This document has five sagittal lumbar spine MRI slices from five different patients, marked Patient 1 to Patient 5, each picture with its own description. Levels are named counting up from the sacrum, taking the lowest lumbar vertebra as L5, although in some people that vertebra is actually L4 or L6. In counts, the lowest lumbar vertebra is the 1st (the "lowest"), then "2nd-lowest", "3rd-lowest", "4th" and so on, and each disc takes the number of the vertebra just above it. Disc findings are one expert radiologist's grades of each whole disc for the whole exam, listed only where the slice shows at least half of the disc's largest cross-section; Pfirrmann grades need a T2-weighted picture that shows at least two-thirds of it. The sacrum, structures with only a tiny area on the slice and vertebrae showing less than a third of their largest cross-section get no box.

Patient 1 of 5:
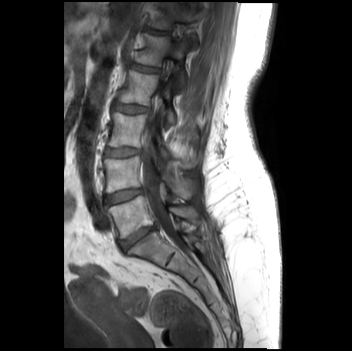
Lumbar spine MR, T1-weighted, sagittal. Slice 20 of 35.

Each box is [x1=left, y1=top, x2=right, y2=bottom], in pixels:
6th vertebra at [x1=149, y1=2, x2=202, y2=47], 6th disc at [x1=146, y1=28, x2=168, y2=34], 4th disc at [x1=112, y1=102, x2=148, y2=112], 5th vertebra at [x1=135, y1=33, x2=186, y2=89], 2nd-lowest disc at [x1=104, y1=188, x2=142, y2=205], 3rd-lowest vertebra at [x1=107, y1=112, x2=199, y2=167], lowest vertebra at [x1=107, y1=196, x2=198, y2=238], 2nd-lowest vertebra at [x1=103, y1=156, x2=194, y2=198], 5th disc at [x1=129, y1=62, x2=159, y2=72], thecal sac / spinal canal at [x1=142, y1=89, x2=184, y2=248], lowest disc at [x1=118, y1=224, x2=155, y2=249], 3rd-lowest disc at [x1=104, y1=147, x2=139, y2=157], 4th vertebra at [x1=117, y1=70, x2=174, y2=127].

Degenerative findings by level:
• lowest disc: lower-endplate change, disc narrowing, upper-endplate change, Modic type II
• 6th disc, 5th disc, 2nd-lowest disc, 3rd-lowest disc, 4th disc: no Modic or endplate change, herniation, narrowing, bulging or spondylolisthesis recorded

Patient 2 of 5:
Patient sex: M. Slice 60/120. Lumbar spine MR, T2 SPACE (3D), sagittal.
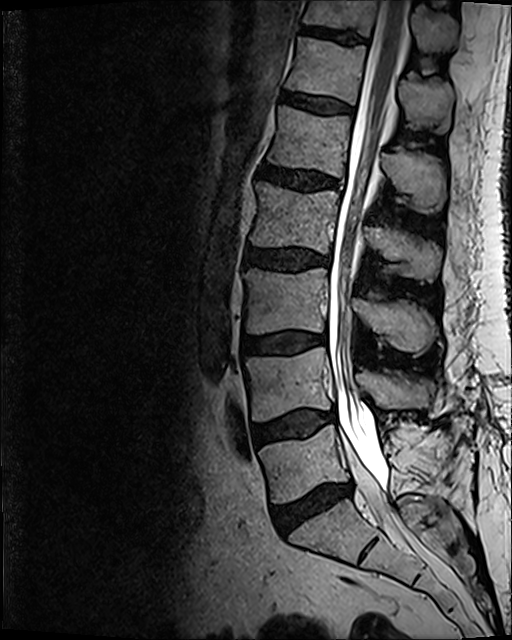 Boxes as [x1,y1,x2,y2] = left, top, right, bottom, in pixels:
L2/L3: [245,248,329,271].
L5/S1: [272,486,351,532].
L2 vertebra: [251,182,441,281].
Disc L3/L4: [244,332,321,354].
L3: [244,268,436,353].
T12: [286,38,454,130].
T12/L1: [281,93,353,113].
L4/L5: [253,409,335,444].
L4: [246,346,434,421].
L1/L2: [259,162,337,190].
T11/T12: [299,25,364,45].
L1: [267,106,445,212].
Spinal canal: [329,0,409,510].
L5: [258,424,434,503].
T11: [302,0,459,50].

Expert MSK radiologist gradings (per disc):
• L3/L4: Pfirrmann grade 2, disc bulging, Modic type II
• T11/T12: Pfirrmann grade 3
• L5/S1: Pfirrmann grade 3, Modic type II, disc narrowing, disc bulging
• L4/L5: Pfirrmann grade 2, Modic type II, disc bulging
• L2/L3: Pfirrmann grade 3, disc bulging
• L1/L2: Pfirrmann grade 3, disc bulging
• T12/L1: Pfirrmann grade 2

Patient 3 of 5:
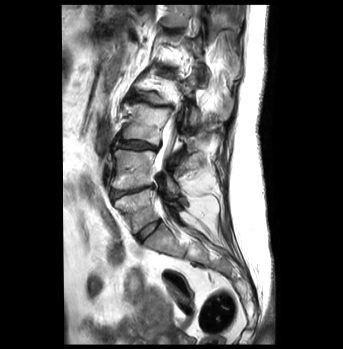
Sagittal T2-weighted lumbar spine MRI | Slice 22 of 43 | Patient sex: F

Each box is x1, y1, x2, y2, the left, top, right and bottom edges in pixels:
L4: 111, 149, 178, 192 | L5 vertebra: 115, 190, 181, 233 | L2/L3: 130, 92, 173, 109 | L2 vertebra: 139, 70, 233, 125 | disc L3/L4: 113, 138, 156, 150 | T12: 163, 5, 229, 35 | disc L4/L5: 110, 185, 154, 200 | L3 vertebra: 121, 103, 205, 153 | disc L5/S1: 137, 220, 160, 240 | T12/L1: 166, 28, 183, 33 | spinal canal: 157, 17, 199, 169

Radiological gradings:
• L4/L5: lower-endplate change, disc narrowing, Modic type II, disc bulging
• L3/L4: Pfirrmann grade 3, Modic type II, disc bulging
• L5/S1: no herniation, bulging, narrowing, spondylolisthesis, endplate or Modic change recorded

Patient 4 of 5:
Slice 10/32 | MRI lumbar spine (T1-weighted), sagittal plane 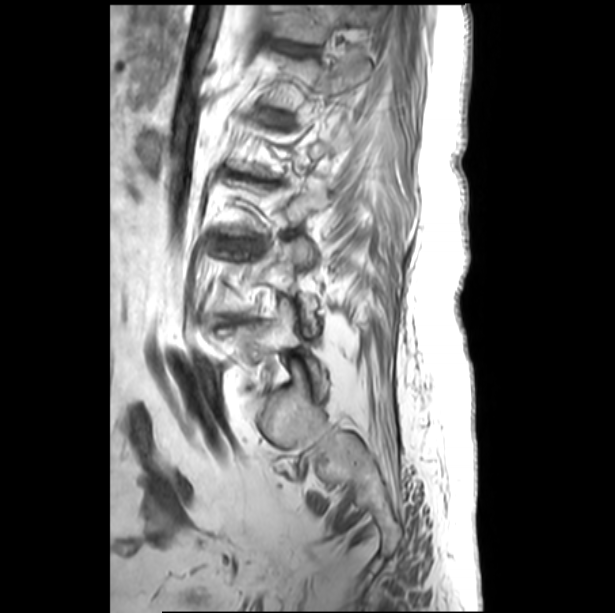

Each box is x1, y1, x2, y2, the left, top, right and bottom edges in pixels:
T12/L1 at 285, 45, 315, 52; IVD L3/L4 at 220, 239, 253, 245; L5 vertebra at 218, 299, 325, 403; T12 vertebra at 277, 5, 371, 42.

Patient 5 of 5:
Lumbar spine MR, T2 SPACE (3D), sagittal, 512x640 px, Slice 88 of 120

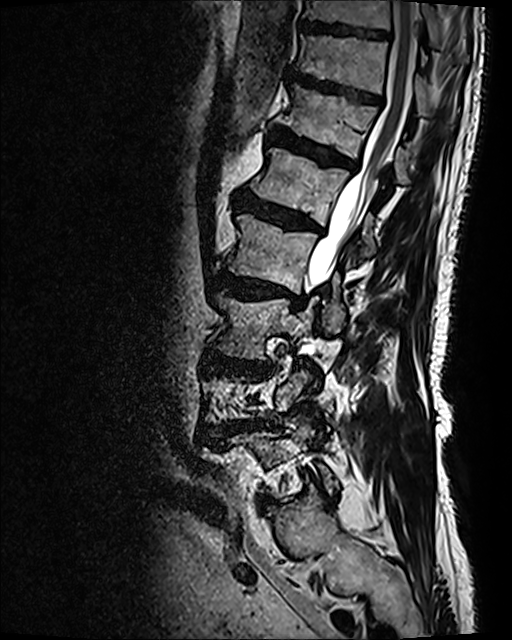

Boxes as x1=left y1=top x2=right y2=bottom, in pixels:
T12 (6th vertebra): x1=275 y1=84 x2=408 y2=183.
L2 (4th vertebra): x1=227 y1=214 x2=345 y2=332.
L3/L4 (3rd-lowest disc): x1=209 y1=353 x2=269 y2=373.
T11 (7th vertebra): x1=298 y1=36 x2=429 y2=115.
IVD L1/L2 (5th disc): x1=237 y1=195 x2=321 y2=232.
Spinal canal: x1=307 y1=1 x2=417 y2=292.
T10/T11 (8th disc): x1=300 y1=22 x2=389 y2=39.
L1 (5th vertebra): x1=251 y1=147 x2=375 y2=255.
IVD T11/T12 (7th disc): x1=290 y1=72 x2=381 y2=104.
L4/L5 (2nd-lowest disc): x1=223 y1=422 x2=261 y2=429.
IVD T12/L1 (6th disc): x1=270 y1=126 x2=358 y2=169.
L3 (3rd-lowest vertebra): x1=214 y1=295 x2=313 y2=357.
L2/L3 (4th disc): x1=214 y1=271 x2=304 y2=307.
T10 (8th vertebra): x1=304 y1=0 x2=442 y2=47.

Expert MSK radiologist gradings (per disc):
• L1/L2 (5th disc): Pfirrmann grade 4, upper-endplate change, disc bulging, Modic type II, lower-endplate change
• T11/T12 (7th disc): Pfirrmann grade 4, upper-endplate change, lower-endplate change, disc bulging
• L3/L4 (3rd-lowest disc): upper-endplate change, disc bulging, lower-endplate change
• L2/L3 (4th disc): Pfirrmann grade 4, disc narrowing, Modic type I, upper-endplate change, disc bulging, lower-endplate change
• T12/L1 (6th disc): Pfirrmann grade 4, disc bulging, lower-endplate change, Modic type II, upper-endplate change
• T10/T11 (8th disc): Pfirrmann grade 3